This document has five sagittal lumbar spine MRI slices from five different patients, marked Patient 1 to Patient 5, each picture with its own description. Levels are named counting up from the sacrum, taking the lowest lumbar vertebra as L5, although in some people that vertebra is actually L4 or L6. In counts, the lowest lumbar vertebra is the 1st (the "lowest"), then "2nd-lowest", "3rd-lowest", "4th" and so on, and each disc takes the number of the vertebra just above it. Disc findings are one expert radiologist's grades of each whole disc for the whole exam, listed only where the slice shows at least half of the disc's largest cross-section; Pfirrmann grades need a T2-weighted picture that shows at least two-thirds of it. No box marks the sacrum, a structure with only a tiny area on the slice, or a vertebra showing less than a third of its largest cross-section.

Patient 1 of 5:
MRI lumbar spine (T2 SPACE (3D)), sagittal plane
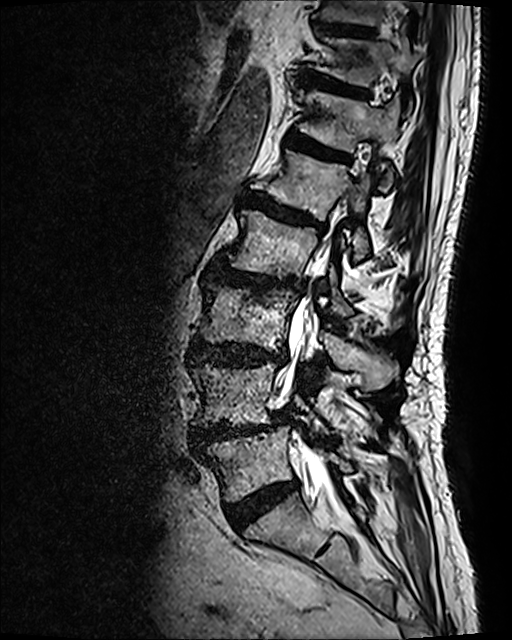
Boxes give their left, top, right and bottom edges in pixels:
4th vertebra: left=226, top=210, right=404, bottom=333.
3rd-lowest disc: left=188, top=340, right=286, bottom=366.
6th disc: left=287, top=132, right=345, bottom=160.
2nd-lowest disc: left=190, top=412, right=288, bottom=450.
Lowest vertebra: left=205, top=425, right=352, bottom=501.
3rd-lowest vertebra: left=198, top=281, right=397, bottom=390.
2nd-lowest vertebra: left=192, top=362, right=380, bottom=432.
7th vertebra: left=320, top=34, right=420, bottom=86.
8th disc: left=319, top=22, right=374, bottom=37.
5th disc: left=243, top=191, right=319, bottom=226.
6th vertebra: left=295, top=89, right=399, bottom=189.
Lowest disc: left=226, top=479, right=299, bottom=530.
Spinal canal: left=276, top=239, right=350, bottom=520.
5th vertebra: left=268, top=151, right=370, bottom=259.
4th disc: left=214, top=261, right=300, bottom=290.
7th disc: left=298, top=70, right=366, bottom=96.

Expert MSK radiologist gradings (per disc):
  7th disc: Pfirrmann grade 4, lower-endplate change, disc bulging, upper-endplate change
  2nd-lowest disc: Pfirrmann grade 4, Modic type II, upper-endplate change, disc bulging, lower-endplate change, disc narrowing, disc herniation, spondylolisthesis
  3rd-lowest disc: Pfirrmann grade 4, upper-endplate change, lower-endplate change, disc bulging
  5th disc: Pfirrmann grade 4, lower-endplate change, disc bulging, Modic type II, upper-endplate change
  lowest disc: Pfirrmann grade 4
  6th disc: lower-endplate change, upper-endplate change, Modic type II, disc bulging
  4th disc: Pfirrmann grade 4, lower-endplate change, Modic type I, upper-endplate change, disc bulging, disc narrowing
  8th disc: no spondylolisthesis, narrowing, bulging, herniation, Modic or endplate change recorded

Patient 2 of 5:
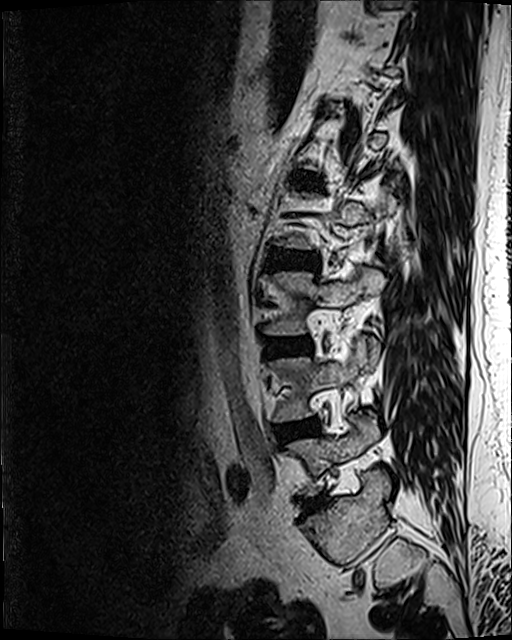 Lumbar spine MR, T2 SPACE (3D), sagittal
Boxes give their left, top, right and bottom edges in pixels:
5th disc at left=294, top=172, right=321, bottom=189; lowest disc at left=304, top=497, right=325, bottom=511; 3rd-lowest vertebra at left=265, top=267, right=385, bottom=335; 3rd-lowest disc at left=267, top=346, right=303, bottom=354; 2nd-lowest disc at left=275, top=423, right=314, bottom=441; 4th disc at left=272, top=250, right=316, bottom=269; 2nd-lowest vertebra at left=270, top=336, right=378, bottom=421; lowest vertebra at left=290, top=417, right=379, bottom=494.

Patient 3 of 5:
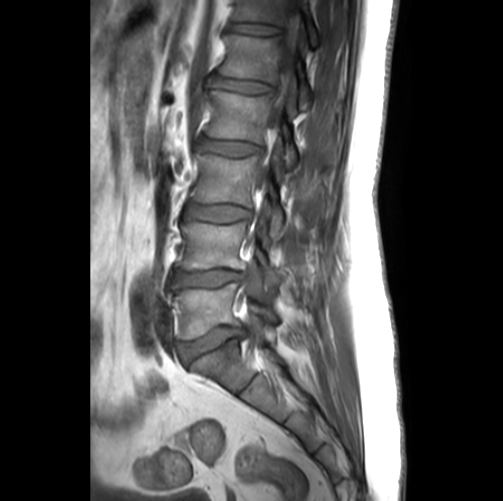 Sagittal slice index 10, Sex M, T1-weighted sagittal MRI of the lumbar spine
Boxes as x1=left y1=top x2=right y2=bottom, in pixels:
Segmented structures:
• L3/L4: x1=187 y1=202 x2=251 y2=222
• intervertebral disc L5/S1: x1=176 y1=327 x2=245 y2=365
• T12/L1: x1=231 y1=23 x2=279 y2=34
• T12 vertebra: x1=234 y1=0 x2=318 y2=45
• L2: x1=207 y1=90 x2=297 y2=166
• L1 vertebra: x1=219 y1=35 x2=311 y2=108
• L5: x1=174 y1=284 x2=279 y2=339
• thecal sac / spinal canal: x1=247 y1=0 x2=300 y2=320
• intervertebral disc L2/L3: x1=197 y1=138 x2=261 y2=156
• intervertebral disc L1/L2: x1=214 y1=75 x2=271 y2=93
• L4 vertebra: x1=181 y1=222 x2=283 y2=288
• L4/L5: x1=173 y1=269 x2=244 y2=286
• L3: x1=193 y1=153 x2=332 y2=238

Degenerative findings by level:
• L5/S1: disc narrowing, disc bulging
• L4/L5: lower-endplate change, disc narrowing, upper-endplate change, Modic type II, disc bulging
• L2/L3, T12/L1, L1/L2, L3/L4: no herniation, bulging, narrowing, spondylolisthesis, endplate or Modic change recorded

Patient 4 of 5:
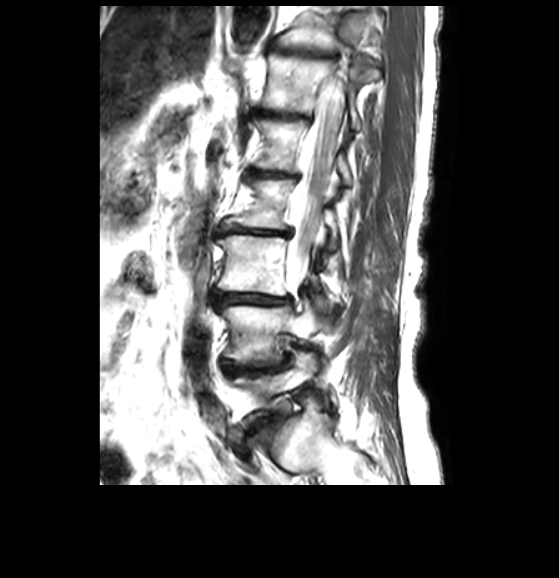
Lumbar spine MR, T2-weighted, sagittal, Image 559x578
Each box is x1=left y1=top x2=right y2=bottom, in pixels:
Thecal sac / spinal canal at x1=286 y1=69 x2=345 y2=289, disc L4/L5 (2nd-lowest disc) at x1=225 y1=360 x2=286 y2=374, T12/L1 (6th disc) at x1=258 y1=110 x2=310 y2=120, L5 (lowest vertebra) at x1=233 y1=352 x2=317 y2=419, L1 (5th vertebra) at x1=255 y1=120 x2=351 y2=183, T11 (7th vertebra) at x1=277 y1=27 x2=337 y2=53, L4 (2nd-lowest vertebra) at x1=218 y1=300 x2=322 y2=364, disc L2/L3 (4th disc) at x1=220 y1=225 x2=291 y2=235, T12 (6th vertebra) at x1=261 y1=54 x2=361 y2=129, disc L1/L2 (5th disc) at x1=248 y1=169 x2=294 y2=176, L2 (4th vertebra) at x1=225 y1=179 x2=337 y2=248, T11/T12 (7th disc) at x1=276 y1=48 x2=334 y2=58, L3 (3rd-lowest vertebra) at x1=218 y1=235 x2=331 y2=310, L3/L4 (3rd-lowest disc) at x1=215 y1=291 x2=289 y2=304.

Per-level radiological findings:
• L3/L4 (3rd-lowest disc): Pfirrmann grade 3, disc bulging, disc narrowing
• T11/T12 (7th disc): Pfirrmann grade 4, disc narrowing
• L4/L5 (2nd-lowest disc): disc bulging

Patient 5 of 5:
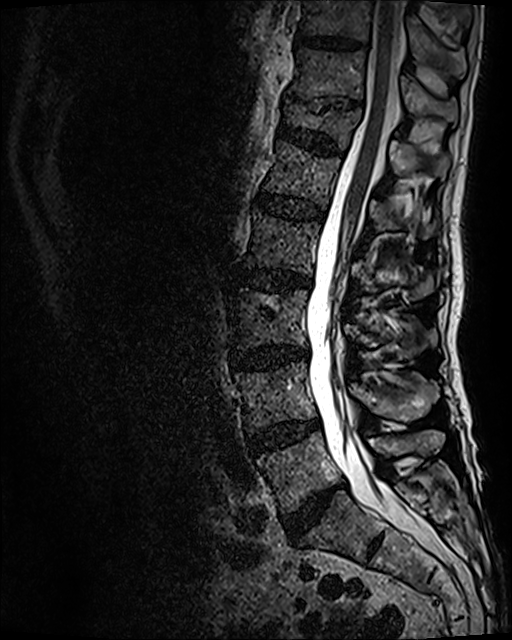
Lumbar spine MR, T2 SPACE (3D), sagittal | Image 512x640
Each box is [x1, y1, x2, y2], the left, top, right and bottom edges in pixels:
6th disc at [278, 122, 342, 156], 2nd-lowest disc at [248, 421, 319, 453], 5th vertebra at [264, 140, 435, 238], spinal canal at [306, 0, 437, 554], 7th disc at [308, 98, 353, 112], 8th vertebra at [302, 0, 466, 77], lowest disc at [283, 488, 335, 542], lowest vertebra at [256, 430, 444, 513], 8th disc at [296, 36, 358, 48], 5th disc at [255, 191, 322, 218], 7th vertebra at [287, 48, 457, 125], 3rd-lowest disc at [231, 347, 307, 368], 4th vertebra at [244, 210, 432, 298], 2nd-lowest vertebra at [235, 361, 439, 433], 6th vertebra at [282, 102, 449, 177], 4th disc at [234, 268, 312, 291], 3rd-lowest vertebra at [230, 288, 436, 357].

Per-level radiological findings:
- 2nd-lowest disc: Pfirrmann grade 3, disc bulging, Modic type II
- 7th disc: Pfirrmann grade 5, lower-endplate change, upper-endplate change, disc narrowing
- 6th disc: Pfirrmann grade 3, upper-endplate change, lower-endplate change
- 4th disc: Pfirrmann grade 3, Modic type II, disc bulging
- 8th disc: Pfirrmann grade 3
- 5th disc: Pfirrmann grade 3
- lowest disc: Pfirrmann grade 4, disc narrowing, disc bulging
- 3rd-lowest disc: Pfirrmann grade 4, disc narrowing, Modic type II, disc bulging